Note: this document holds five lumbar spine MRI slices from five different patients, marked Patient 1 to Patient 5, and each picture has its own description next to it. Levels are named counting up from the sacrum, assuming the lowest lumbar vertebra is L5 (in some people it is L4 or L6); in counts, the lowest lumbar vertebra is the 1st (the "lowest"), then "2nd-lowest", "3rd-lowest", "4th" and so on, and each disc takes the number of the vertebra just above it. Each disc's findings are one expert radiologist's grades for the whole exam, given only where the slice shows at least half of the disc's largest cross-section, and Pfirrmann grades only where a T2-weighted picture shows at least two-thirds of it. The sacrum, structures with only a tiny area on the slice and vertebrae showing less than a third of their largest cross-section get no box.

Patient 1 of 5:
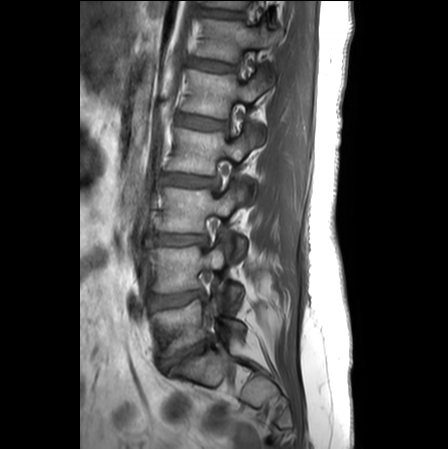 T1-weighted sagittal MRI of the lumbar spine, Sex F

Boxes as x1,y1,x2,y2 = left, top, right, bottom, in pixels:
4th vertebra at 170,127,259,174.
6th disc at 192,58,235,71.
5th disc at 180,115,225,129.
4th disc at 162,174,217,185.
3rd-lowest vertebra at 159,182,246,257.
7th vertebra at 209,1,246,8.
2nd-lowest disc at 151,290,203,309.
3rd-lowest disc at 154,234,206,244.
6th vertebra at 197,19,279,61.
Lowest disc at 159,336,215,368.
5th vertebra at 184,70,271,134.
2nd-lowest vertebra at 151,240,242,310.
Lowest vertebra at 152,292,244,357.
7th disc at 204,10,242,17.

Degenerative findings by level:
• 4th disc: disc bulging
• 2nd-lowest disc: disc bulging, disc narrowing
• 3rd-lowest disc: disc bulging
• 5th disc, 6th disc: no spondylolisthesis, narrowing, bulging, herniation, Modic or endplate change recorded

Patient 2 of 5:
MRI lumbar spine (T1-weighted), sagittal plane

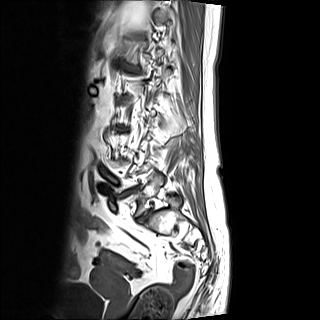 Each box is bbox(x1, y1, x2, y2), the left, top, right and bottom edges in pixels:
L4/L5 (2nd-lowest disc): bbox(117, 186, 139, 197)
disc T12/L1 (6th disc): bbox(119, 64, 138, 70)
L5 (lowest vertebra): bbox(117, 174, 162, 216)

Patient 3 of 5:
T2 SPACE (3D) sagittal MRI of the lumbar spine | Patient sex: M | 512x640 px | Sagittal slice index 78 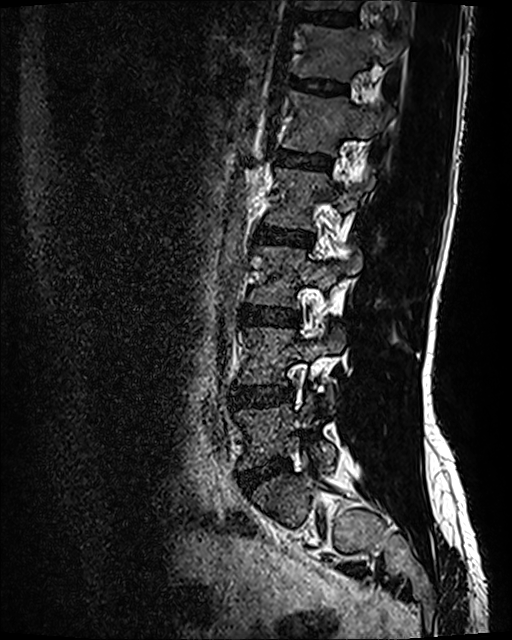

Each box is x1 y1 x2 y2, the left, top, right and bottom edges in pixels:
Disc T12/L1 at 292 78 347 93, L5/S1 at 240 458 289 492, L4 vertebra at 238 328 343 408, L2 vertebra at 264 168 374 230, L3 at 247 247 361 306, L1 at 280 90 393 155, T12 vertebra at 293 24 404 81, disc L1/L2 at 275 151 331 170, L2/L3 at 255 227 313 248, disc L4/L5 at 232 383 293 405, T11/T12 at 297 10 357 26, disc L3/L4 at 243 305 299 326, T11 vertebra at 299 0 360 9, L5 at 235 393 335 471.

Expert MSK radiologist gradings (per disc):
  L1/L2: Pfirrmann grade 2
  L3/L4: disc bulging
  T11/T12: Pfirrmann grade 2
  L4/L5: disc bulging
  T12/L1: Pfirrmann grade 2
  L2/L3: no herniation, bulging, narrowing, spondylolisthesis, endplate or Modic change recorded

Patient 4 of 5:
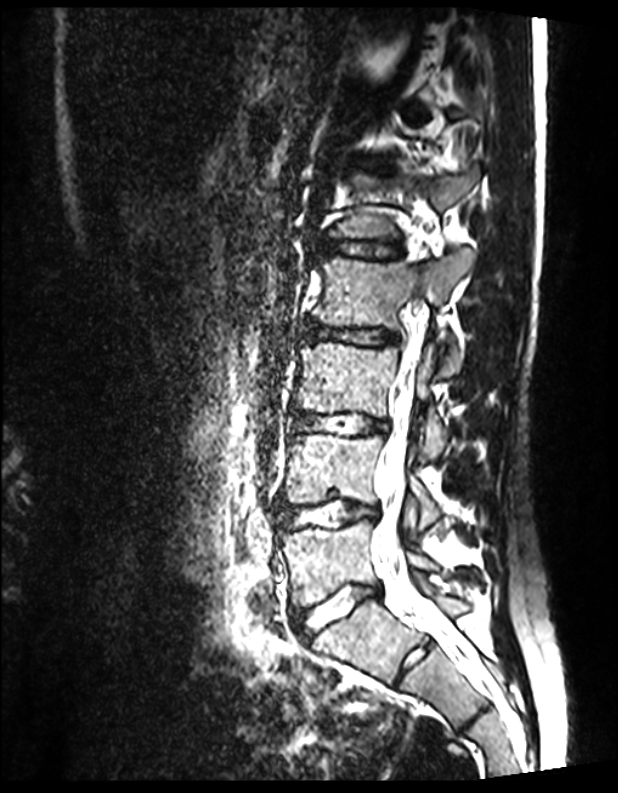

Patient sex: M, MRI lumbar spine (T2 SPACE (3D)), sagittal plane

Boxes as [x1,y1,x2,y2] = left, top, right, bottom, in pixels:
L5 vertebra — [283,520,434,605].
Thecal sac / spinal canal — [372,265,483,684].
L4 — [284,434,438,529].
L3/L4 — [289,412,387,435].
L2 — [313,249,474,376].
Disc L5/S1 — [294,584,381,638].
L1/L2 — [316,239,402,258].
L3 — [294,342,450,460].
L2/L3 — [305,323,398,345].
Disc L4/L5 — [277,499,376,528].
Disc T12/L1 — [341,160,391,169].

Per-level radiological findings:
  L3/L4: Pfirrmann grade 1
  L5/S1: Pfirrmann grade 1
  L2/L3: Pfirrmann grade 1
  L4/L5: Pfirrmann grade 1
  L1/L2: Pfirrmann grade 1

Patient 5 of 5:
T2 SPACE (3D) sagittal MRI of the lumbar spine, Image 512x652, Patient sex: M

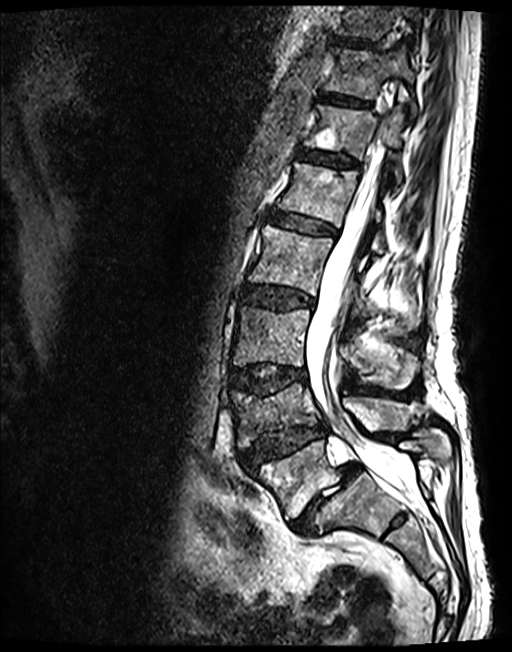

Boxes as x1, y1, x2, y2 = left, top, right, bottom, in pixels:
Thecal sac / spinal canal at 306, 143, 415, 494; L3/L4 at 230, 364, 305, 394; T12/L1 at 297, 149, 359, 166; IVD L2/L3 at 243, 286, 313, 309; T10 at 336, 6, 422, 39; IVD T11/T12 at 320, 93, 370, 107; L3 at 233, 306, 418, 388; L2 vertebra at 249, 226, 420, 324; IVD L5/S1 at 291, 462, 360, 536; L4 at 230, 385, 420, 447; T12 vertebra at 305, 105, 404, 183; IVD L4/L5 at 239, 425, 325, 468; IVD T10/T11 at 333, 38, 379, 48; L1 vertebra at 277, 162, 384, 253; T11 at 324, 48, 416, 114; L5 at 253, 429, 451, 519; IVD L1/L2 at 268, 212, 336, 235.

Radiological gradings:
- L4/L5: Pfirrmann grade 3, lower-endplate change, spondylolisthesis, disc herniation, disc narrowing, upper-endplate change
- L3/L4: Pfirrmann grade 3, upper-endplate change, lower-endplate change, disc bulging
- L5/S1: Pfirrmann grade 5, spondylolisthesis, Modic type II, disc herniation, disc narrowing
- L2/L3: Pfirrmann grade 3, disc bulging
- T12/L1: Pfirrmann grade 3
- L1/L2: Pfirrmann grade 3
- T11/T12, T10/T11: no herniation, bulging, narrowing, spondylolisthesis, endplate or Modic change recorded